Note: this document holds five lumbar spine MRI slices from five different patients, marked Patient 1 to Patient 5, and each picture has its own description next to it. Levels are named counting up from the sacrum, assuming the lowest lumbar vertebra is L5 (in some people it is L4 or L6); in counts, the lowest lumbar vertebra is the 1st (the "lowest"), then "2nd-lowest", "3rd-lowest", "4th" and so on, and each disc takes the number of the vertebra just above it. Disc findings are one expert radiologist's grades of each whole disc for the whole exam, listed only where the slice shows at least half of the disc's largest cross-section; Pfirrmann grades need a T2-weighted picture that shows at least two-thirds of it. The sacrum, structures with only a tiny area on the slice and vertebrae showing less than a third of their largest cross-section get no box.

Patient 1 of 5:
Sagittal slice index 10; Patient sex: F; T2-weighted sagittal MRI of the lumbar spine 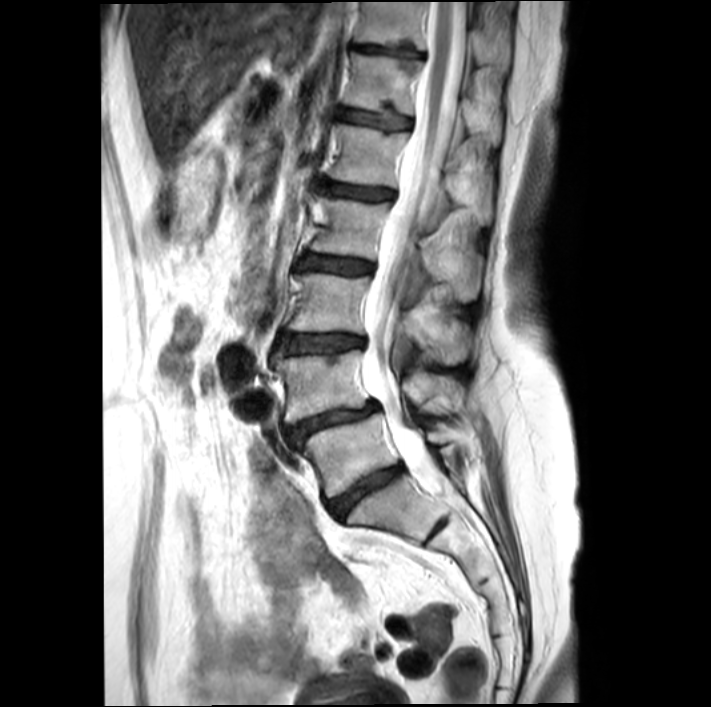 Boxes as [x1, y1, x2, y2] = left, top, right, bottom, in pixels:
7th disc: [354, 45, 421, 57] | spinal canal: [361, 2, 465, 492] | lowest vertebra: [304, 413, 457, 497] | 5th vertebra: [325, 124, 492, 224] | 3rd-lowest vertebra: [289, 274, 473, 364] | 2nd-lowest vertebra: [276, 349, 481, 423] | 4th vertebra: [312, 195, 481, 302] | 4th disc: [300, 254, 372, 273] | 2nd-lowest disc: [288, 402, 377, 443] | lowest disc: [329, 465, 403, 519] | 5th disc: [318, 180, 392, 200] | 3rd-lowest disc: [278, 333, 363, 354] | 7th vertebra: [354, 2, 508, 66] | 6th vertebra: [342, 53, 500, 139] | 6th disc: [337, 108, 411, 130]

Expert MSK radiologist gradings (per disc):
- 2nd-lowest disc: Pfirrmann grade 4, disc bulging, Modic type II, spondylolisthesis, lower-endplate change, disc narrowing
- 5th disc: Pfirrmann grade 3, Modic type II, lower-endplate change
- 7th disc: Pfirrmann grade 4, upper-endplate change, disc bulging, lower-endplate change
- 4th disc: Pfirrmann grade 3, upper-endplate change, Modic type II
- lowest disc: Pfirrmann grade 4, lower-endplate change, disc bulging, Modic type II, disc narrowing
- 3rd-lowest disc: Pfirrmann grade 3, upper-endplate change, Modic type II, disc bulging, lower-endplate change
- 6th disc: Pfirrmann grade 3, Modic type II, upper-endplate change, lower-endplate change

Patient 2 of 5:
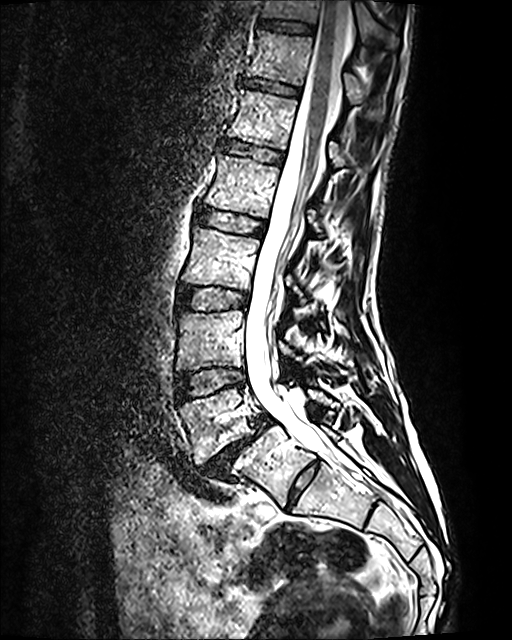 512x640 px, Lumbar spine MR, T2 SPACE (3D), sagittal, Sagittal slice index 59
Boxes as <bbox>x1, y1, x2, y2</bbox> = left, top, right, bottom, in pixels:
Annotations:
- L4 vertebra at <bbox>177, 310, 302, 370</bbox>
- disc L5/S1 at <bbox>201, 415, 270, 478</bbox>
- disc L1/L2 at <bbox>222, 141, 283, 163</bbox>
- disc L3/L4 at <bbox>177, 287, 248, 309</bbox>
- L2 at <bbox>205, 153, 320, 231</bbox>
- T11/T12 at <bbox>259, 19, 314, 33</bbox>
- L5 at <bbox>179, 388, 338, 462</bbox>
- L1 vertebra at <bbox>227, 90, 349, 167</bbox>
- L3 vertebra at <bbox>182, 226, 304, 304</bbox>
- spinal canal at <bbox>244, 0, 350, 461</bbox>
- T11 at <bbox>261, 0, 396, 43</bbox>
- T12 vertebra at <bbox>246, 31, 369, 104</bbox>
- disc L2/L3 at <bbox>195, 208, 264, 234</bbox>
- disc T12/L1 at <bbox>243, 78, 299, 95</bbox>
- disc L4/L5 at <bbox>175, 367, 245, 401</bbox>

Degenerative findings by level:
  L4/L5: Pfirrmann grade 2
  L3/L4: Pfirrmann grade 2
  L2/L3: Pfirrmann grade 2
  T12/L1: Pfirrmann grade 2
  L1/L2: Pfirrmann grade 2
  L5/S1: Pfirrmann grade 5, disc bulging, disc narrowing, Modic type II, spondylolisthesis
  T11/T12: Pfirrmann grade 2

Patient 3 of 5:
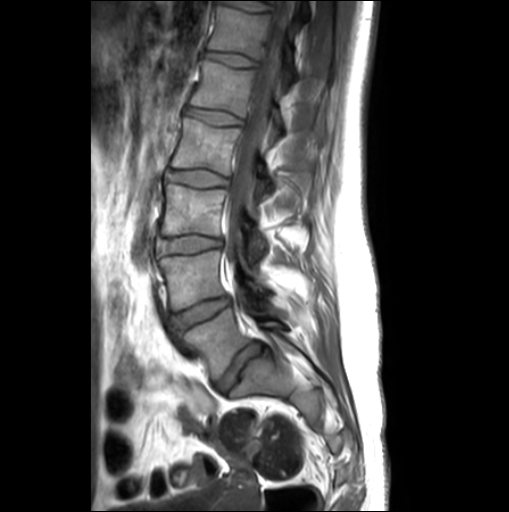

Slice 15 of 26, Sagittal T1-weighted lumbar spine MRI

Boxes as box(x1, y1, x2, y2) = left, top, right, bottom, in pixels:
L1/L2 at box(186, 108, 241, 125); thecal sac / spinal canal at box(225, 1, 289, 264); L4 vertebra at box(159, 251, 271, 310); T12 vertebra at box(208, 6, 294, 85); disc L2/L3 at box(165, 168, 229, 186); L2 at box(172, 118, 271, 196); disc T12/L1 at box(204, 51, 256, 66); L5 vertebra at box(184, 308, 288, 379); L4/L5 at box(172, 296, 230, 330); L3 at box(161, 184, 266, 263); disc L3/L4 at box(156, 235, 221, 259); L5/S1 at box(214, 342, 264, 393); L1 vertebra at box(191, 60, 283, 141).

Radiological gradings:
- L5/S1: upper-endplate change, disc bulging, lower-endplate change
- L4/L5: disc bulging
- L3/L4: disc bulging
- L1/L2, L2/L3, T12/L1: no herniation, bulging, narrowing, spondylolisthesis, endplate or Modic change recorded

Patient 4 of 5:
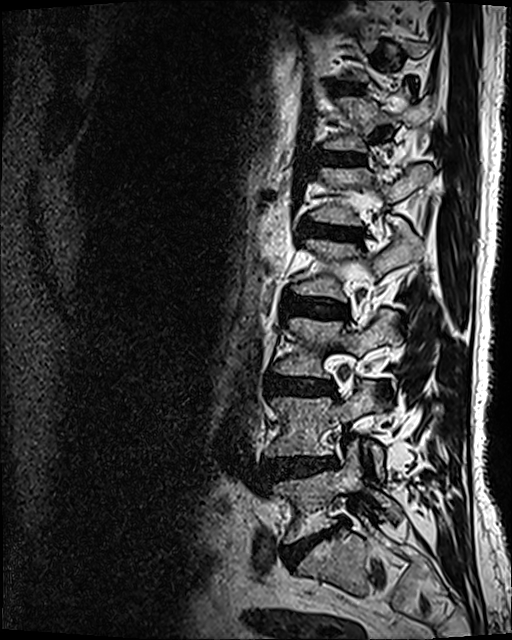

Slice 85/120 | 512x640 px | Sagittal T2 SPACE (3D) lumbar spine MRI | Field of view 240x300 mm

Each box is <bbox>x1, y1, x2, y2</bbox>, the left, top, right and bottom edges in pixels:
L5 vertebra — <bbox>273, 450, 401, 543</bbox>.
T12 vertebra — <bbox>325, 90, 432, 151</bbox>.
IVD T11/T12 — <bbox>332, 85, 360, 92</bbox>.
IVD L2/L3 — <bbox>283, 293, 347, 320</bbox>.
L1 — <bbox>311, 164, 432, 225</bbox>.
L4 — <bbox>266, 381, 383, 477</bbox>.
L4/L5 — <bbox>263, 454, 334, 483</bbox>.
IVD L5/S1 — <bbox>282, 520, 346, 566</bbox>.
IVD T12/L1 — <bbox>321, 153, 363, 165</bbox>.
L3 — <bbox>273, 309, 400, 376</bbox>.
L3/L4 — <bbox>265, 373, 334, 394</bbox>.
L1/L2 — <bbox>302, 221, 362, 242</bbox>.
L2 — <bbox>292, 232, 423, 301</bbox>.

Degenerative findings by level:
- L3/L4: Pfirrmann grade 4, disc narrowing, lower-endplate change, disc bulging, Modic type II
- L2/L3: Pfirrmann grade 3, disc bulging
- L4/L5: disc bulging, disc herniation
- L1/L2: Pfirrmann grade 4, Modic type II, lower-endplate change, disc narrowing, disc bulging, upper-endplate change
- T12/L1: no herniation, bulging, narrowing, spondylolisthesis, endplate or Modic change recorded

Patient 5 of 5:
Image 512x512; Sex M; Lumbar spine MR, T1-weighted, sagittal; Field of view 300x300 mm, slice spacing 3.3 mm; Slice 15 of 17

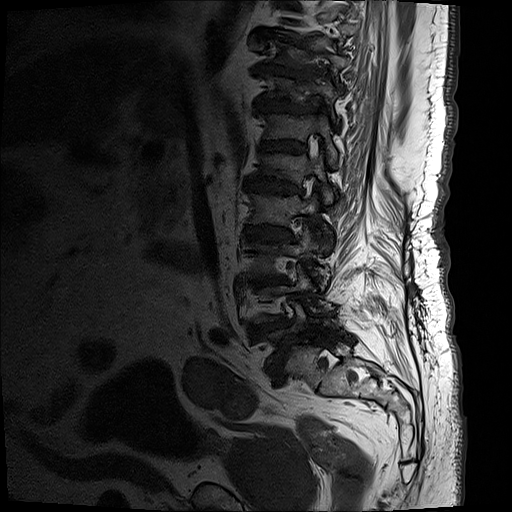 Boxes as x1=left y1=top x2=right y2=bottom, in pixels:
Structures:
- L1 vertebra: x1=255 y1=142 x2=336 y2=204
- L3 vertebra: x1=248 y1=221 x2=330 y2=286
- disc T9/T10: x1=255 y1=36 x2=280 y2=41
- L5/S1: x1=268 y1=350 x2=286 y2=373
- T11: x1=269 y1=75 x2=343 y2=103
- L2 vertebra: x1=249 y1=187 x2=325 y2=225
- L1/L2: x1=243 y1=178 x2=302 y2=195
- disc L3/L4: x1=253 y1=277 x2=286 y2=287
- L4/L5: x1=250 y1=316 x2=289 y2=334
- L5 vertebra: x1=259 y1=298 x2=342 y2=364
- disc L2/L3: x1=244 y1=224 x2=292 y2=241
- T10/T11: x1=255 y1=62 x2=311 y2=81
- T12 vertebra: x1=259 y1=112 x2=341 y2=160
- L4 vertebra: x1=253 y1=262 x2=318 y2=322
- T11/T12: x1=255 y1=97 x2=317 y2=113
- T12/L1: x1=259 y1=139 x2=306 y2=154

Expert MSK radiologist gradings (per disc):
- T11/T12: Modic type II, upper-endplate change, lower-endplate change, disc narrowing, disc bulging
- T12/L1: upper-endplate change, disc narrowing, lower-endplate change, disc bulging, Modic type II
- T10/T11: disc bulging, lower-endplate change, disc narrowing, upper-endplate change, Modic type II
- L1/L2: lower-endplate change, upper-endplate change, disc bulging, disc narrowing, Modic type II
- L2/L3: disc narrowing, upper-endplate change, lower-endplate change, Modic type II, disc bulging